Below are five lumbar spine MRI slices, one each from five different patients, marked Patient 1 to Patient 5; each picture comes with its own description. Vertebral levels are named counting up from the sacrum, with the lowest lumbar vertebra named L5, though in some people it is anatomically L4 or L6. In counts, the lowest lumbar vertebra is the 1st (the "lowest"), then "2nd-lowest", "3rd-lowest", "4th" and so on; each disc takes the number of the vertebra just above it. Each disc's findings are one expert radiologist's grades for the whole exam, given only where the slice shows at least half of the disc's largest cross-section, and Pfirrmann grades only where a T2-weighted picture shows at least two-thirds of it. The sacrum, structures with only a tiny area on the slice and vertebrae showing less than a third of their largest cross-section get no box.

Patient 1 of 5:
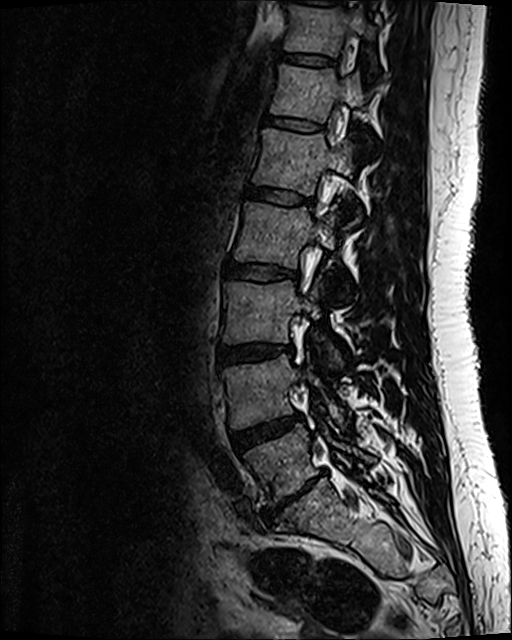 Sex F; Sagittal T2 SPACE (3D) lumbar spine MRI; Image 512x640
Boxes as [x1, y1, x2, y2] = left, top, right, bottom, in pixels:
Segmented structures:
- 7th vertebra — [285, 5, 376, 66]
- 3rd-lowest vertebra — [224, 281, 340, 365]
- 6th disc — [266, 116, 321, 131]
- 3rd-lowest disc — [219, 344, 292, 365]
- 2nd-lowest vertebra — [224, 355, 344, 426]
- lowest vertebra — [244, 425, 373, 504]
- 2nd-lowest disc — [231, 414, 300, 449]
- lowest disc — [263, 475, 319, 523]
- 5th vertebra — [254, 128, 361, 223]
- 6th vertebra — [271, 64, 365, 121]
- 4th disc — [225, 261, 299, 280]
- 7th disc — [276, 52, 333, 65]
- 4th vertebra — [234, 203, 336, 267]
- 5th disc — [245, 188, 311, 205]

Expert MSK radiologist gradings (per disc):
- lowest disc: lower-endplate change, disc herniation, disc narrowing, Modic type III, disc bulging, upper-endplate change
- 2nd-lowest disc: Pfirrmann grade 3, disc bulging
- 4th disc: Pfirrmann grade 2
- 5th disc: Pfirrmann grade 2
- 6th disc: Pfirrmann grade 2
- 3rd-lowest disc: Pfirrmann grade 2, disc bulging
- 7th disc: no herniation, bulging, narrowing, spondylolisthesis, endplate or Modic change recorded

Patient 2 of 5:
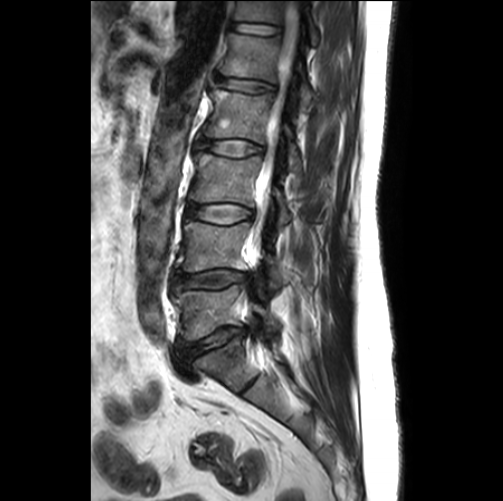 Lumbar spine MR, T2-weighted, sagittal, Image 503x501
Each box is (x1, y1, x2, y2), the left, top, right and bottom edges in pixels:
Segmented structures:
* lowest disc at (176, 327, 246, 363)
* 4th disc at (197, 139, 263, 156)
* 4th vertebra at (203, 89, 301, 171)
* 6th vertebra at (235, 0, 318, 45)
* 3rd-lowest vertebra at (189, 152, 290, 225)
* 2nd-lowest disc at (173, 271, 247, 292)
* thecal sac / spinal canal at (251, 1, 298, 249)
* lowest vertebra at (171, 285, 279, 342)
* 5th vertebra at (220, 34, 312, 108)
* 6th disc at (232, 22, 280, 34)
* 3rd-lowest disc at (187, 204, 252, 223)
* 5th disc at (217, 76, 274, 91)
* 2nd-lowest vertebra at (176, 222, 284, 287)

Per-level radiological findings:
• 3rd-lowest disc: Pfirrmann grade 2
• 2nd-lowest disc: Pfirrmann grade 3, lower-endplate change, disc narrowing, disc bulging, upper-endplate change, Modic type II
• 4th disc: Pfirrmann grade 2
• 6th disc: Pfirrmann grade 1
• lowest disc: Pfirrmann grade 3, disc bulging, disc narrowing
• 5th disc: Pfirrmann grade 2

Patient 3 of 5:
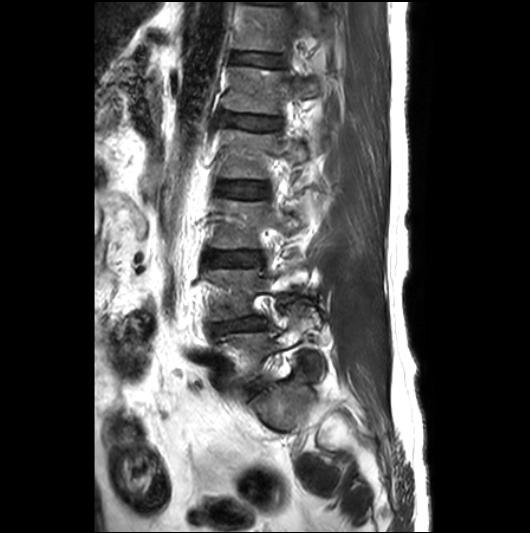 Lumbar spine MR, T2-weighted, sagittal | Image 530x533 | Sex M

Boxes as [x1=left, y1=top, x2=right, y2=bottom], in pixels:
L1/L2 (5th disc): [x1=227, y1=114, x2=279, y2=128].
Disc L4/L5 (2nd-lowest disc): [x1=210, y1=315, x2=266, y2=334].
T12/L1 (6th disc): [x1=230, y1=52, x2=280, y2=66].
L5/S1 (lowest disc): [x1=247, y1=379, x2=265, y2=397].
L3/L4 (3rd-lowest disc): [x1=206, y1=251, x2=260, y2=266].
L4 (2nd-lowest vertebra): [x1=204, y1=264, x2=309, y2=320].
L1 (5th vertebra): [x1=227, y1=67, x2=322, y2=114].
L5 (lowest vertebra): [x1=215, y1=308, x2=320, y2=381].
L2/L3 (4th disc): [x1=219, y1=183, x2=267, y2=198].
L2 (4th vertebra): [x1=220, y1=130, x2=307, y2=178].
T12 (6th vertebra): [x1=234, y1=6, x2=322, y2=51].
L3 (3rd-lowest vertebra): [x1=210, y1=198, x2=303, y2=249].

Per-level radiological findings:
• L3/L4 (3rd-lowest disc): disc bulging, upper-endplate change
• T12/L1 (6th disc): lower-endplate change
• L2/L3 (4th disc), L1/L2 (5th disc): no herniation, bulging, narrowing, spondylolisthesis, endplate or Modic change recorded

Patient 4 of 5:
MRI lumbar spine (T1-weighted), sagittal plane; Image 726x719; Sex F

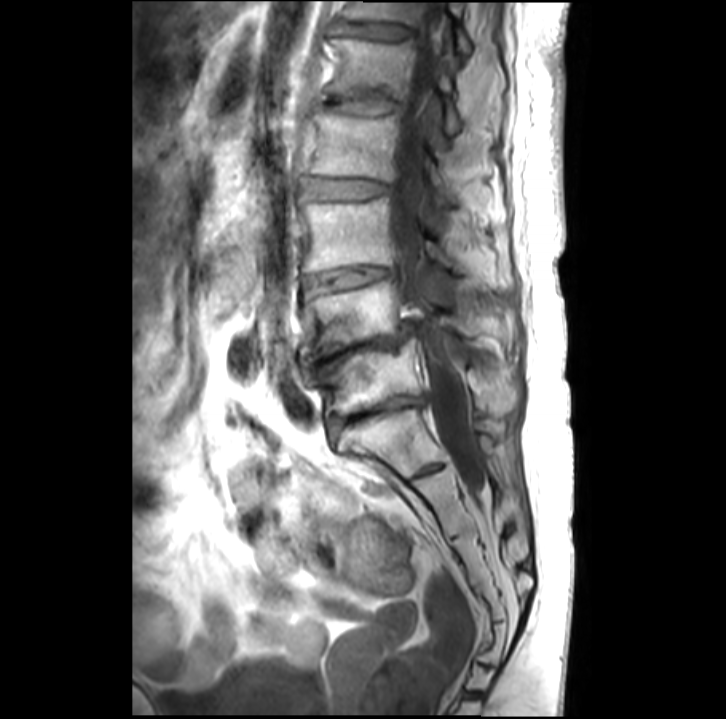
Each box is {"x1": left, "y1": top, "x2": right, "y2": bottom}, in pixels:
Annotations:
• L5 = {"x1": 322, "y1": 340, "x2": 517, "y2": 414}
• thecal sac / spinal canal = {"x1": 390, "y1": 0, "x2": 484, "y2": 491}
• T12 vertebra = {"x1": 345, "y1": 0, "x2": 471, "y2": 55}
• L1 = {"x1": 329, "y1": 37, "x2": 462, "y2": 132}
• L2/L3 = {"x1": 304, "y1": 178, "x2": 387, "y2": 197}
• IVD T12/L1 = {"x1": 338, "y1": 22, "x2": 409, "y2": 36}
• L3 vertebra = {"x1": 299, "y1": 198, "x2": 487, "y2": 286}
• L3/L4 = {"x1": 307, "y1": 266, "x2": 392, "y2": 289}
• L4 vertebra = {"x1": 299, "y1": 278, "x2": 474, "y2": 363}
• L4/L5 = {"x1": 312, "y1": 324, "x2": 413, "y2": 377}
• L1/L2 = {"x1": 329, "y1": 98, "x2": 400, "y2": 113}
• L5/S1 = {"x1": 329, "y1": 396, "x2": 422, "y2": 432}
• L2 = {"x1": 309, "y1": 107, "x2": 453, "y2": 203}

Per-level radiological findings:
  L5/S1: Modic type II, disc narrowing
  T12/L1: disc bulging
  L4/L5: disc narrowing
  L1/L2: disc narrowing, disc bulging
  L3/L4: Modic type II, disc narrowing
  L2/L3: no spondylolisthesis, narrowing, bulging, herniation, Modic or endplate change recorded

Patient 5 of 5:
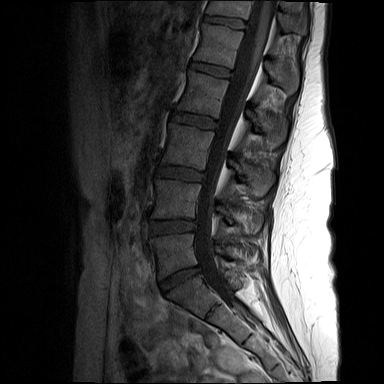 Sagittal slice index 7 | Field of view 280x280 mm | Lumbar spine MR, T1-weighted, sagittal | Patient sex: F | Image 384x384
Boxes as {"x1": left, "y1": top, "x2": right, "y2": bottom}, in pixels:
T12/L1 (6th disc): {"x1": 204, "y1": 16, "x2": 245, "y2": 28}
L2 (4th vertebra): {"x1": 177, "y1": 70, "x2": 286, "y2": 147}
L5 (lowest vertebra): {"x1": 150, "y1": 233, "x2": 256, "y2": 279}
L3 (3rd-lowest vertebra): {"x1": 162, "y1": 123, "x2": 273, "y2": 196}
L1/L2 (5th disc): {"x1": 191, "y1": 63, "x2": 230, "y2": 76}
L2/L3 (4th disc): {"x1": 171, "y1": 113, "x2": 217, "y2": 128}
intervertebral disc L3/L4 (3rd-lowest disc): {"x1": 157, "y1": 167, "x2": 204, "y2": 180}
L1 (5th vertebra): {"x1": 193, "y1": 23, "x2": 298, "y2": 94}
L4 (2nd-lowest vertebra): {"x1": 152, "y1": 179, "x2": 262, "y2": 234}
thecal sac / spinal canal: {"x1": 195, "y1": 0, "x2": 276, "y2": 320}
T12 (6th vertebra): {"x1": 206, "y1": 0, "x2": 306, "y2": 34}
L4/L5 (2nd-lowest disc): {"x1": 151, "y1": 220, "x2": 195, "y2": 233}
intervertebral disc L5/S1 (lowest disc): {"x1": 160, "y1": 267, "x2": 199, "y2": 291}

Per-level radiological findings:
- L1/L2 (5th disc), L4/L5 (2nd-lowest disc), L5/S1 (lowest disc), L2/L3 (4th disc), T12/L1 (6th disc), L3/L4 (3rd-lowest disc): no spondylolisthesis, narrowing, bulging, herniation, Modic or endplate change recorded